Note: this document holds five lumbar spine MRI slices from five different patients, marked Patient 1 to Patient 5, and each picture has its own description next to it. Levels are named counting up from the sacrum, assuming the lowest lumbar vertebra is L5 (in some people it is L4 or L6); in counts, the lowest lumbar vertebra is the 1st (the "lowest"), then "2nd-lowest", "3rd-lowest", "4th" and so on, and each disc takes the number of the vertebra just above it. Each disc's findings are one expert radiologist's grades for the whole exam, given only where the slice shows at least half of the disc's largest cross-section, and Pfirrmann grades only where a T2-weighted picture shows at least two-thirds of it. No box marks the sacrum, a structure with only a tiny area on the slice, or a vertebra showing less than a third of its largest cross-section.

Patient 1 of 5:
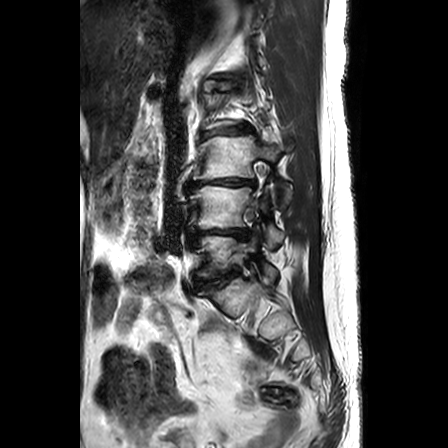 Sagittal T2-weighted lumbar spine MRI | Slice 6 of 24 | Sex F

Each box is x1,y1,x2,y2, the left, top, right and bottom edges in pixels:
disc L4/L5: 191,229,248,242 | L4 vertebra: 188,185,283,248 | L3 vertebra: 192,135,292,209 | disc L1/L2: 202,79,237,91 | disc L2/L3: 200,122,254,138 | L5 vertebra: 198,224,276,282 | L5/S1: 195,266,241,290 | L3/L4: 186,178,254,191

Expert MSK radiologist gradings (per disc):
  L4/L5: disc narrowing, upper-endplate change, disc bulging, Modic type II, lower-endplate change
  L1/L2: Pfirrmann grade 2, disc bulging
  L3/L4: Pfirrmann grade 5, Modic type II, upper-endplate change, lower-endplate change, disc narrowing, disc bulging
  L5/S1: Pfirrmann grade 3, lower-endplate change, upper-endplate change, disc narrowing, disc bulging
  L2/L3: Pfirrmann grade 3, disc narrowing, upper-endplate change, disc bulging, lower-endplate change

Patient 2 of 5:
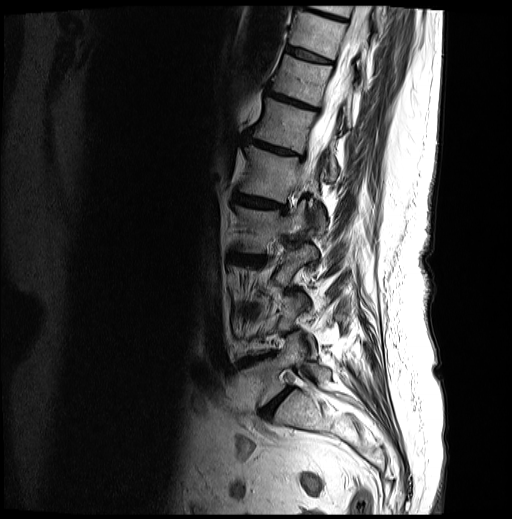

Image 512x519 | MRI lumbar spine (T2-weighted), sagittal plane | Patient sex: F

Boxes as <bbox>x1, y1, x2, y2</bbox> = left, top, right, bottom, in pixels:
T11 vertebra = <bbox>272, 55, 352, 127</bbox>.
T12 vertebra = <bbox>252, 98, 337, 181</bbox>.
T12/L1 = <bbox>247, 134, 299, 156</bbox>.
Intervertebral disc T11/T12 = <bbox>267, 89, 315, 108</bbox>.
Spinal canal = <bbox>305, 6, 371, 171</bbox>.
L1 = <bbox>240, 146, 326, 231</bbox>.
L4/L5 = <bbox>240, 356, 265, 365</bbox>.
L5 vertebra = <bbox>240, 332, 330, 404</bbox>.
T10 = <bbox>290, 10, 368, 72</bbox>.
T9 vertebra = <bbox>310, 4, 382, 30</bbox>.
L5/S1 = <bbox>262, 386, 291, 416</bbox>.
L1/L2 = <bbox>237, 194, 285, 209</bbox>.
Intervertebral disc T10/T11 = <bbox>286, 47, 330, 63</bbox>.
T9/T10 = <bbox>296, 1, 345, 19</bbox>.
L2 vertebra = <bbox>236, 201, 307, 253</bbox>.

Radiological gradings:
  L1/L2: Pfirrmann grade 4, lower-endplate change, disc narrowing, Modic type II, disc bulging, upper-endplate change
  T9/T10: Pfirrmann grade 4, upper-endplate change, lower-endplate change, disc bulging, Modic type II
  T11/T12: Pfirrmann grade 5, disc bulging, upper-endplate change, disc narrowing, Modic type II, lower-endplate change
  T10/T11: Pfirrmann grade 4, Modic type II, lower-endplate change, upper-endplate change
  T12/L1: Pfirrmann grade 4, Modic type II, lower-endplate change, disc bulging, disc narrowing, upper-endplate change

Patient 3 of 5:
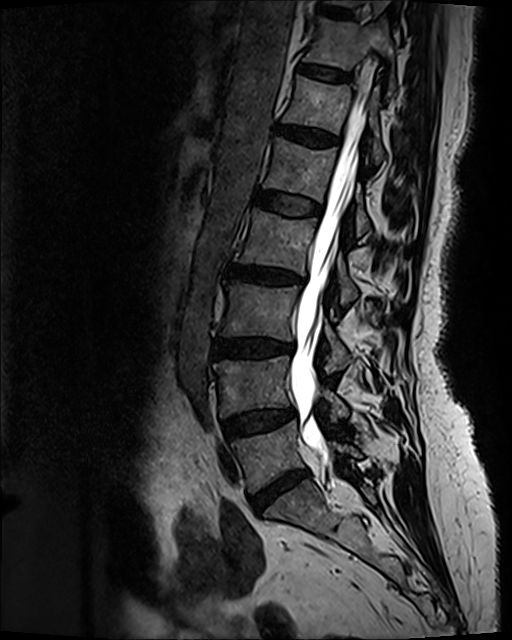
Sagittal slice index 50, Lumbar spine MR, T2 SPACE (3D), sagittal
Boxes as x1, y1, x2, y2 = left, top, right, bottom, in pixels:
L5/S1 — 253, 472, 304, 513.
L2/L3 — 227, 266, 302, 284.
L1/L2 — 253, 191, 321, 215.
T12 — 283, 76, 384, 163.
L5 vertebra — 231, 421, 361, 492.
Intervertebral disc L3/L4 — 213, 339, 293, 355.
T11 — 304, 18, 394, 93.
L4 vertebra — 213, 355, 347, 419.
Spinal canal — 288, 88, 367, 476.
L2 — 235, 208, 357, 305.
L1 vertebra — 263, 137, 369, 236.
L4/L5 — 222, 408, 295, 438.
T12/L1 — 276, 124, 338, 146.
T10/T11 — 321, 5, 349, 18.
Intervertebral disc T11/T12 — 300, 64, 349, 81.
L3 vertebra — 221, 281, 349, 372.

Expert MSK radiologist gradings (per disc):
- T11/T12: Pfirrmann grade 2
- L4/L5: Pfirrmann grade 3, disc bulging
- L3/L4: Pfirrmann grade 4, upper-endplate change, lower-endplate change, disc narrowing, Modic type II, disc bulging
- L5/S1: Pfirrmann grade 4, disc bulging, disc narrowing
- L2/L3: Pfirrmann grade 4, Modic type II, lower-endplate change, disc narrowing, upper-endplate change, disc bulging
- L1/L2: Pfirrmann grade 2
- T12/L1: Pfirrmann grade 3, disc bulging

Patient 4 of 5:
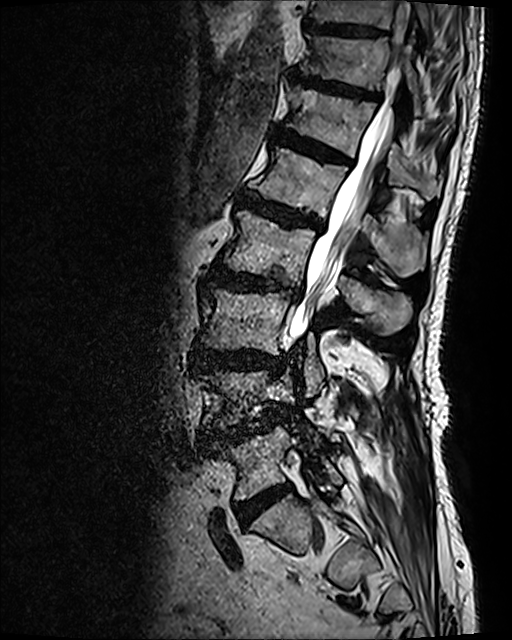

Slice 78 of 120, T2 SPACE (3D) sagittal MRI of the lumbar spine

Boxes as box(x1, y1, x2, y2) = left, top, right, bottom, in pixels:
6th vertebra: box(288, 87, 440, 195)
7th disc: box(291, 68, 380, 99)
5th disc: box(240, 192, 319, 228)
2nd-lowest vertebra: box(198, 370, 313, 432)
spinal canal: box(290, 1, 409, 340)
2nd-lowest disc: box(201, 425, 267, 441)
6th disc: box(276, 127, 351, 164)
4th vertebra: box(221, 210, 411, 334)
8th vertebra: box(308, 0, 433, 34)
lowest vertebra: box(212, 425, 342, 499)
4th disc: box(210, 266, 301, 297)
3rd-lowest vertebra: box(199, 287, 324, 396)
lowest disc: box(235, 484, 291, 524)
5th vertebra: box(253, 146, 427, 276)
3rd-lowest disc: box(191, 346, 281, 369)
8th disc: box(304, 22, 386, 39)
7th vertebra: box(304, 36, 420, 113)

Per-level radiological findings:
- 5th disc: Pfirrmann grade 4, disc bulging, lower-endplate change, Modic type II, upper-endplate change
- 4th disc: Pfirrmann grade 4, disc bulging, lower-endplate change, Modic type I, disc narrowing, upper-endplate change
- 8th disc: Pfirrmann grade 3
- 3rd-lowest disc: Pfirrmann grade 4, disc bulging, lower-endplate change, upper-endplate change
- 7th disc: Pfirrmann grade 4, lower-endplate change, upper-endplate change, disc bulging
- 6th disc: Pfirrmann grade 4, Modic type II, lower-endplate change, disc bulging, upper-endplate change
- lowest disc: no herniation, bulging, narrowing, spondylolisthesis, endplate or Modic change recorded

Patient 5 of 5:
Sagittal T2-weighted lumbar spine MRI 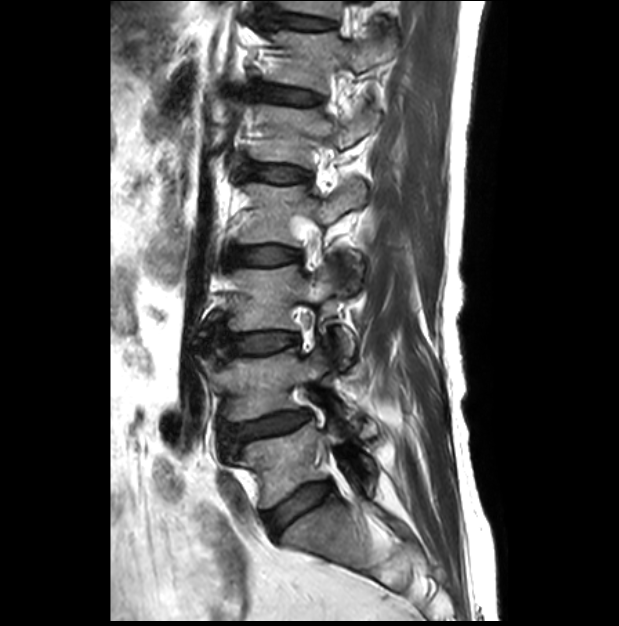
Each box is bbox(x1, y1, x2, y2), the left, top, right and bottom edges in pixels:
L1/L2: bbox(232, 155, 310, 182).
Disc L4/L5: bbox(225, 411, 308, 441).
L5: bbox(238, 422, 373, 507).
T11/T12: bbox(275, 13, 332, 30).
Disc L2/L3: bbox(228, 246, 299, 266).
Disc L5/S1: bbox(265, 481, 332, 534).
L2 vertebra: bbox(240, 180, 365, 246).
L1: bbox(251, 105, 379, 168).
L3/L4: bbox(214, 327, 296, 365).
T12 vertebra: bbox(271, 30, 394, 90).
L4 vertebra: bbox(222, 349, 359, 433).
Disc T12/L1: bbox(247, 81, 317, 104).
L3: bbox(229, 265, 355, 370).
T11: bbox(280, 1, 341, 18).

Expert MSK radiologist gradings (per disc):
- L5/S1: Pfirrmann grade 2
- T12/L1: Pfirrmann grade 1
- L3/L4: Pfirrmann grade 1
- L4/L5: lower-endplate change, disc narrowing, disc bulging, spondylolisthesis, upper-endplate change
- T11/T12: Pfirrmann grade 1
- L1/L2, L2/L3: no Modic or endplate change, herniation, narrowing, bulging or spondylolisthesis recorded